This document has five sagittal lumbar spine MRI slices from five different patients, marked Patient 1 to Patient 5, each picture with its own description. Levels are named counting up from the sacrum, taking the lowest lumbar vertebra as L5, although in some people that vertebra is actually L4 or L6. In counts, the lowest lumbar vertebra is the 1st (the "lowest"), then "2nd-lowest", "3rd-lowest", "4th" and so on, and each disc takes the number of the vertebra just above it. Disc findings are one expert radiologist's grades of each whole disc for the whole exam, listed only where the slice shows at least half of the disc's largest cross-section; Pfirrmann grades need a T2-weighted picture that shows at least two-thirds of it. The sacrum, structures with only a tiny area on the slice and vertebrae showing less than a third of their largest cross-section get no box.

Patient 1 of 5:
Image 512x512 | T1-weighted sagittal MRI of the lumbar spine | Slice spacing 3.3 mm | Sagittal slice index 2 | Sex F
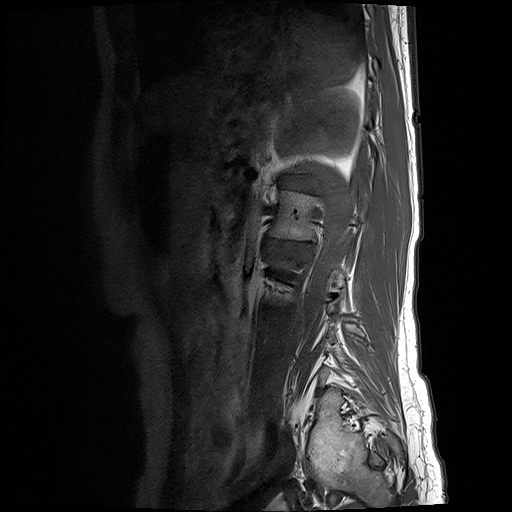
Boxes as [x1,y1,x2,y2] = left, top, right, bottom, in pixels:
{"4th disc": "[263,239,312,255]", "5th disc": "[278,177,317,190]", "4th vertebra": "[266,190,362,241]"}

Degenerative findings by level:
- 4th disc: disc bulging, disc narrowing
- 5th disc: upper-endplate change, disc bulging, disc narrowing, Modic type II, lower-endplate change

Patient 2 of 5:
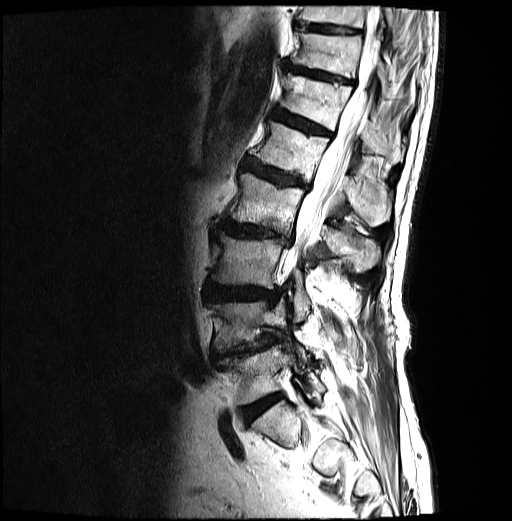 T2-weighted sagittal MRI of the lumbar spine | 512x521 px
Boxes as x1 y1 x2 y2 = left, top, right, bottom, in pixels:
{"L1 vertebra": "249 121 391 226", "L5 vertebra": "219 344 324 404", "IVD L5/S1": "243 393 281 421", "L4": "215 300 304 355", "IVD T10/T11": "295 21 361 33", "thecal sac / spinal canal": "283 6 380 273", "L3 vertebra": "211 233 310 321", "T11/T12": "283 61 354 84", "L3/L4": "206 282 279 301", "IVD L2/L3": "219 219 291 245", "T11 vertebra": "290 31 391 97", "L2": "226 173 380 272", "T12 vertebra": "280 72 404 164", "T10 vertebra": "297 6 398 44", "IVD L4/L5": "222 336 273 354", "IVD T12/L1": "272 108 332 137", "L1/L2": "242 158 308 189"}

Degenerative findings by level:
  L2/L3: Pfirrmann grade 4, Modic type I, disc bulging, disc narrowing, upper-endplate change, lower-endplate change
  T11/T12: Pfirrmann grade 4, upper-endplate change, lower-endplate change, disc bulging
  T10/T11: Pfirrmann grade 3
  L1/L2: Pfirrmann grade 4, Modic type II, lower-endplate change, upper-endplate change, disc bulging
  T12/L1: Pfirrmann grade 4, upper-endplate change, Modic type II, disc bulging, lower-endplate change
  L3/L4: Pfirrmann grade 4, lower-endplate change, disc bulging, upper-endplate change

Patient 3 of 5:
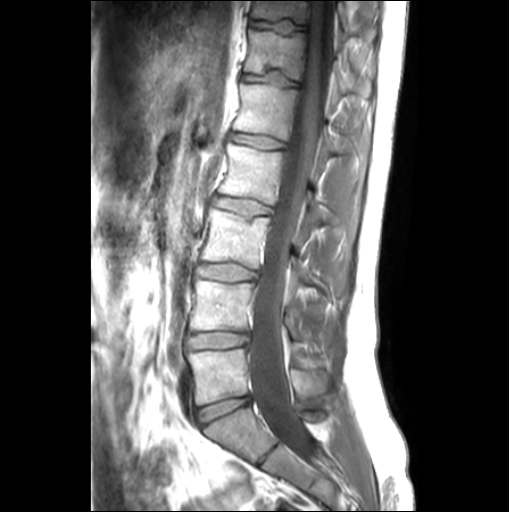 Field of view 280x281 mm, slice spacing 3.3 mm, T1-weighted sagittal MRI of the lumbar spine

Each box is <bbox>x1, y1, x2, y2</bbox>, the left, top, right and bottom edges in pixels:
IVD L5/S1 (lowest disc) — <bbox>197, 396, 250, 425</bbox>.
L2 (4th vertebra) — <bbox>218, 142, 325, 236</bbox>.
L5 (lowest vertebra) — <bbox>189, 348, 329, 405</bbox>.
IVD L4/L5 (2nd-lowest disc) — <bbox>189, 332, 248, 347</bbox>.
L4 (2nd-lowest vertebra) — <bbox>190, 279, 332, 343</bbox>.
T12/L1 (6th disc) — <bbox>242, 72, 298, 85</bbox>.
L1/L2 (5th disc) — <bbox>230, 133, 283, 149</bbox>.
T11 (7th vertebra) — <bbox>251, 0, 349, 30</bbox>.
L3/L4 (3rd-lowest disc) — <bbox>199, 264, 257, 280</bbox>.
L2/L3 (4th disc) — <bbox>213, 196, 271, 214</bbox>.
L1 (5th vertebra) — <bbox>233, 83, 344, 170</bbox>.
T12 (6th vertebra) — <bbox>244, 29, 373, 102</bbox>.
Thecal sac / spinal canal — <bbox>250, 0, 336, 460</bbox>.
L3 (3rd-lowest vertebra) — <bbox>201, 208, 346, 280</bbox>.
T11/T12 (7th disc) — <bbox>250, 20, 306, 32</bbox>.

Per-level radiological findings:
- L1/L2 (5th disc): Modic type II
- T11/T12 (7th disc): upper-endplate change, lower-endplate change
- T12/L1 (6th disc): upper-endplate change, lower-endplate change
- L5/S1 (lowest disc), L3/L4 (3rd-lowest disc), L4/L5 (2nd-lowest disc), L2/L3 (4th disc): no spondylolisthesis, narrowing, bulging, herniation, Modic or endplate change recorded

Patient 4 of 5:
MRI lumbar spine (T1-weighted), sagittal plane | Image 320x323 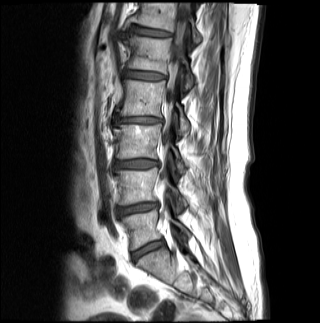
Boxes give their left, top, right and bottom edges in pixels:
Annotations:
• 2nd-lowest vertebra: left=116, top=167, right=186, bottom=212
• 4th disc: left=115, top=116, right=161, bottom=125
• lowest vertebra: left=122, top=209, right=189, bottom=249
• 6th vertebra: left=129, top=3, right=201, bottom=42
• 4th vertebra: left=116, top=80, right=189, bottom=134
• 3rd-lowest vertebra: left=114, top=124, right=185, bottom=172
• lowest disc: left=133, top=241, right=162, bottom=259
• 5th disc: left=123, top=70, right=164, bottom=79
• spinal canal: left=164, top=3, right=190, bottom=145
• 5th vertebra: left=124, top=36, right=193, bottom=88
• 3rd-lowest disc: left=114, top=160, right=158, bottom=168
• 2nd-lowest disc: left=118, top=204, right=156, bottom=215
• 6th disc: left=131, top=25, right=170, bottom=36

Degenerative findings by level:
- 5th disc: upper-endplate change, lower-endplate change
- 4th disc: disc narrowing, disc bulging, lower-endplate change, upper-endplate change, Modic type II
- 2nd-lowest disc: lower-endplate change, disc bulging, disc narrowing
- 3rd-lowest disc: disc bulging
- lowest disc, 6th disc: no herniation, bulging, narrowing, spondylolisthesis, endplate or Modic change recorded

Patient 5 of 5:
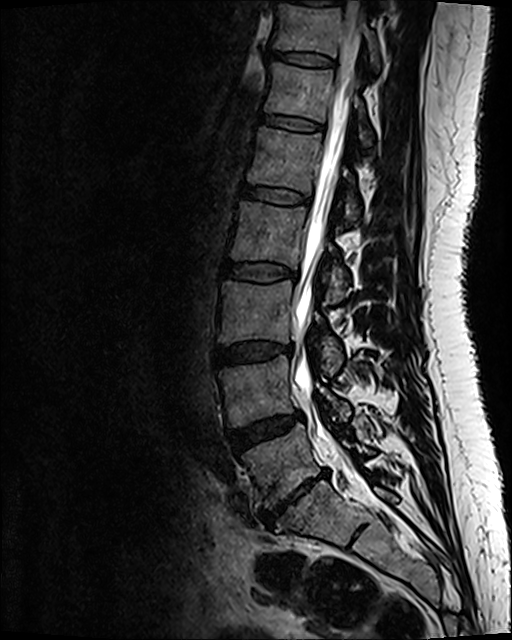
Lumbar spine MR, T2 SPACE (3D), sagittal. Slice spacing 0.9 mm. Slice 51 of 120.

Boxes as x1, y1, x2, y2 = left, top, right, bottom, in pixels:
Segmented structures:
• 4th disc = 223, 262, 297, 280
• lowest vertebra = 242, 425, 369, 506
• 6th disc = 261, 116, 321, 131
• 5th disc = 242, 185, 310, 204
• 3rd-lowest disc = 215, 342, 292, 365
• 2nd-lowest disc = 229, 412, 301, 449
• 7th disc = 269, 51, 333, 65
• lowest disc = 261, 470, 327, 525
• 7th vertebra = 274, 4, 379, 69
• 3rd-lowest vertebra = 219, 281, 342, 371
• spinal canal = 291, 1, 361, 469
• 2nd-lowest vertebra = 221, 355, 349, 425
• 4th vertebra = 231, 203, 347, 301
• 6th vertebra = 266, 63, 373, 145
• 5th vertebra = 248, 128, 360, 222

Per-level radiological findings:
• lowest disc: Pfirrmann grade 5, upper-endplate change, Modic type III, disc narrowing, disc herniation, lower-endplate change, disc bulging
• 7th disc: Pfirrmann grade 2
• 3rd-lowest disc: Pfirrmann grade 2, disc bulging
• 5th disc: Pfirrmann grade 2
• 6th disc: Pfirrmann grade 2
• 2nd-lowest disc: Pfirrmann grade 3, disc bulging
• 4th disc: Pfirrmann grade 2